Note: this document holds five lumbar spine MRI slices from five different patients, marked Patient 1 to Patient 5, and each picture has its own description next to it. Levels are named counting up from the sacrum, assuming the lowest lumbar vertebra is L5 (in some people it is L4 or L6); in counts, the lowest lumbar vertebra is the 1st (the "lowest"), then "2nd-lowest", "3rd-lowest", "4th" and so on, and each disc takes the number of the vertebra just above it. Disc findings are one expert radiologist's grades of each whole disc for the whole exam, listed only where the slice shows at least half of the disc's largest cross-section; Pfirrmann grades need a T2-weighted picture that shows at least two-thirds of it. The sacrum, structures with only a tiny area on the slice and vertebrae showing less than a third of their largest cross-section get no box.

Patient 1 of 5:
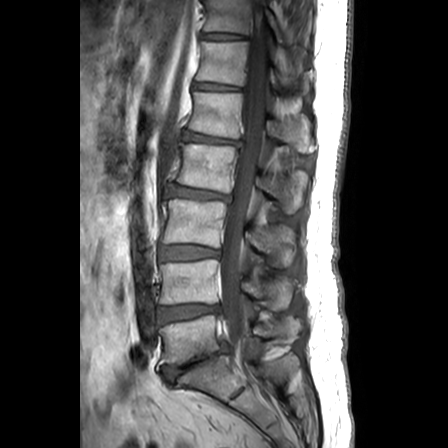
Field of view 280x280 mm | MRI lumbar spine (T1-weighted), sagittal plane | Patient sex: M
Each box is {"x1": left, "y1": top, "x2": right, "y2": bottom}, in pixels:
Thecal sac / spinal canal at {"x1": 220, "y1": 0, "x2": 267, "y2": 379}.
3rd-lowest disc at {"x1": 161, "y1": 246, "x2": 219, "y2": 259}.
Lowest disc at {"x1": 162, "y1": 345, "x2": 227, "y2": 381}.
7th vertebra at {"x1": 205, "y1": 0, "x2": 283, "y2": 42}.
6th disc at {"x1": 194, "y1": 82, "x2": 237, "y2": 90}.
2nd-lowest disc at {"x1": 159, "y1": 304, "x2": 218, "y2": 322}.
2nd-lowest vertebra at {"x1": 160, "y1": 259, "x2": 292, "y2": 310}.
7th disc at {"x1": 202, "y1": 33, "x2": 242, "y2": 39}.
5th disc at {"x1": 184, "y1": 132, "x2": 237, "y2": 143}.
4th vertebra at {"x1": 177, "y1": 144, "x2": 306, "y2": 213}.
4th disc at {"x1": 170, "y1": 186, "x2": 229, "y2": 200}.
3rd-lowest vertebra at {"x1": 162, "y1": 199, "x2": 294, "y2": 267}.
5th vertebra at {"x1": 189, "y1": 92, "x2": 312, "y2": 152}.
Lowest vertebra at {"x1": 159, "y1": 315, "x2": 302, "y2": 366}.
6th vertebra at {"x1": 197, "y1": 42, "x2": 309, "y2": 92}.

Radiological gradings:
  lowest disc: disc bulging, disc herniation, spondylolisthesis, Modic type II, upper-endplate change, disc narrowing, lower-endplate change
  2nd-lowest disc: disc bulging, disc narrowing
  4th disc: disc bulging
  3rd-lowest disc: disc bulging
  5th disc: upper-endplate change, disc bulging, Modic type II, lower-endplate change
  6th disc, 7th disc: no spondylolisthesis, narrowing, bulging, herniation, Modic or endplate change recorded

Patient 2 of 5:
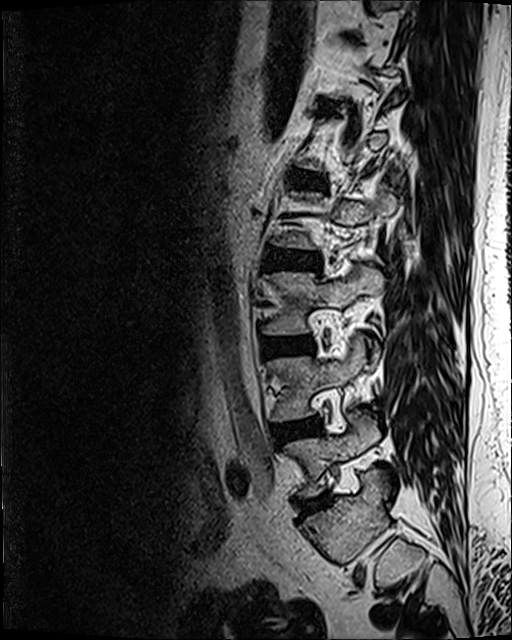

512x640 px; Patient sex: M; Field of view 240x300 mm; Sagittal T2 SPACE (3D) lumbar spine MRI

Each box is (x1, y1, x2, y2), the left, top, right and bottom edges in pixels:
5th disc at (289, 172, 326, 189), 2nd-lowest disc at (273, 422, 317, 441), 4th disc at (269, 249, 317, 268), 2nd-lowest vertebra at (268, 334, 366, 421), lowest disc at (299, 494, 329, 513), 3rd-lowest disc at (264, 345, 302, 354), 3rd-lowest vertebra at (263, 266, 384, 335), 6th disc at (316, 105, 337, 113), lowest vertebra at (286, 410, 379, 495).

Degenerative findings by level:
  4th disc: disc bulging

Patient 3 of 5:
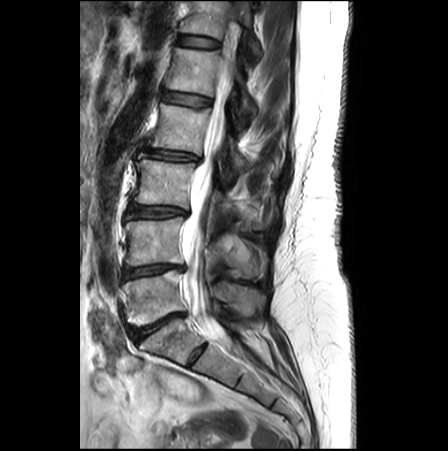 Slice spacing 3.3 mm | Sex F | MRI lumbar spine (T2-weighted), sagittal plane
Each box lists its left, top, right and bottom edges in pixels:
Structures:
* L1 = left=166, top=47, right=256, bottom=115
* intervertebral disc L1/L2 = left=162, top=91, right=210, bottom=106
* L3 = left=132, top=159, right=264, bottom=228
* T12 = left=181, top=0, right=261, bottom=55
* L2 vertebra = left=151, top=104, right=277, bottom=174
* L5/S1 = left=131, top=313, right=184, bottom=341
* L4 vertebra = left=125, top=216, right=265, bottom=277
* L5 vertebra = left=123, top=269, right=265, bottom=326
* L3/L4 = left=127, top=205, right=187, bottom=218
* L2/L3 = left=145, top=147, right=199, bottom=160
* spinal canal = left=182, top=51, right=234, bottom=346
* L4/L5 = left=122, top=265, right=184, bottom=279
* intervertebral disc T12/L1 = left=177, top=36, right=219, bottom=47

Radiological gradings:
• L3/L4: Pfirrmann grade 2, disc bulging, Modic type II
• T12/L1: Pfirrmann grade 1
• L4/L5: Pfirrmann grade 3, disc narrowing, Modic type II, upper-endplate change, disc bulging
• L2/L3: Pfirrmann grade 2, disc narrowing, disc bulging
• L5/S1: Modic type II, disc bulging, disc narrowing
• L1/L2: Pfirrmann grade 1

Patient 4 of 5:
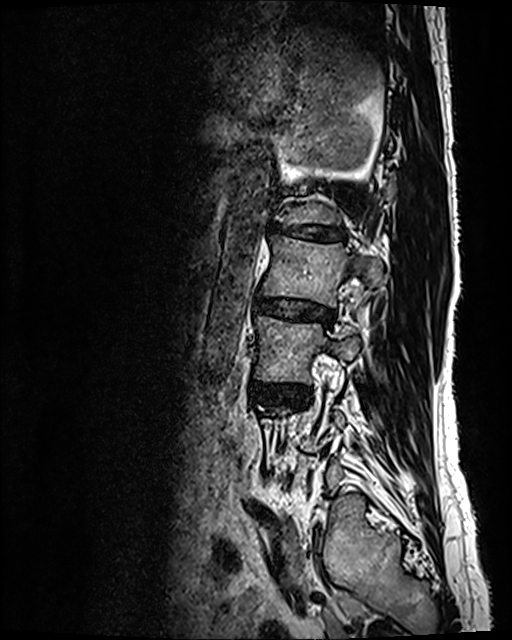 Slice 31 of 120; Sex F; Lumbar spine MR, T2 SPACE (3D), sagittal

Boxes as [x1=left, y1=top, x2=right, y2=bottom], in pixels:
L2/L3 at [x1=255, y1=297, x2=334, y2=324], L3 vertebra at [x1=255, y1=316, x2=359, y2=382], disc L1/L2 at [x1=272, y1=224, x2=343, y2=241], L3/L4 at [x1=252, y1=382, x2=307, y2=403], L2 at [x1=261, y1=234, x2=383, y2=306].

Radiological gradings:
- L2/L3: Pfirrmann grade 3, disc bulging, disc narrowing
- L3/L4: disc bulging
- L1/L2: Pfirrmann grade 5, Modic type II, disc narrowing, upper-endplate change, disc bulging, lower-endplate change

Patient 5 of 5:
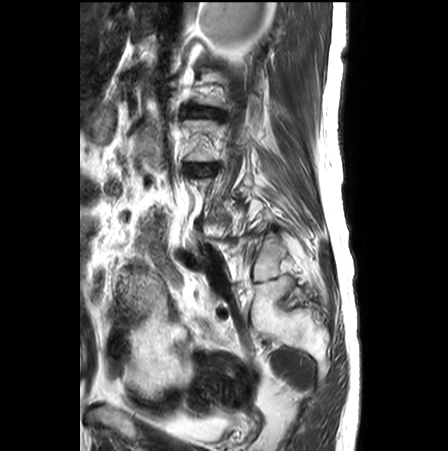 Image 448x451. MRI lumbar spine (T2-weighted), sagittal plane.

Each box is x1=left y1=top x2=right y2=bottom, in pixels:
3rd-lowest disc at x1=187 y1=164 x2=216 y2=174, 4th disc at x1=184 y1=108 x2=221 y2=117.

Degenerative findings by level:
- 4th disc: disc bulging, disc narrowing, lower-endplate change, spondylolisthesis, upper-endplate change, Modic type II
- 3rd-lowest disc: disc narrowing, lower-endplate change, Modic type II, spondylolisthesis, disc bulging, upper-endplate change